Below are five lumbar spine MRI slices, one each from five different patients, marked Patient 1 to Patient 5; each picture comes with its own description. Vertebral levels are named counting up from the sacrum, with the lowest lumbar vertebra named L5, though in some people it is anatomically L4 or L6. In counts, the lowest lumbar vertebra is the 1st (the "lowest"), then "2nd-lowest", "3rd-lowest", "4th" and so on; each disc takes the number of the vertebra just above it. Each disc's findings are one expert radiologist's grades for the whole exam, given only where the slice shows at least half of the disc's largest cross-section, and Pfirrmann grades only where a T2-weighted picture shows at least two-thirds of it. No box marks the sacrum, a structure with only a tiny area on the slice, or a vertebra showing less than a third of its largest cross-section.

Patient 1 of 5:
Lumbar spine MR, T2 SPACE (3D), sagittal

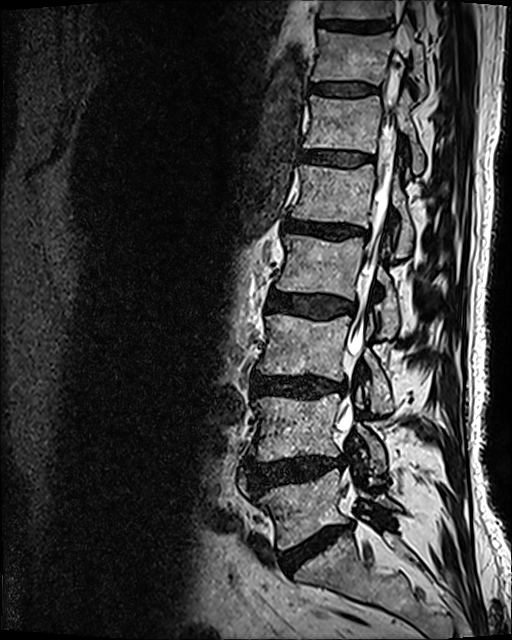

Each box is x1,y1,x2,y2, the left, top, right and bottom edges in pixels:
T12: 304,89,423,175.
T12/L1: 302,151,373,166.
IVD L5/S1: 280,523,351,572.
IVD L4/L5: 245,455,344,489.
L1 vertebra: 292,164,412,257.
T10/T11: 320,19,388,32.
L5 vertebra: 258,469,399,549.
T11: 312,17,426,99.
T10 vertebra: 319,0,424,29.
IVD L1/L2: 285,219,366,238.
Thecal sac / spinal canal: 339,116,393,430.
L2: 275,234,398,337.
L2/L3: 268,289,356,319.
IVD T11/T12: 312,84,375,96.
IVD L3/L4: 253,374,347,398.
L3 vertebra: 256,314,392,414.
L4: 250,394,385,472.

Radiological gradings:
- T12/L1: Pfirrmann grade 3
- L5/S1: Pfirrmann grade 5, disc narrowing, Modic type II, disc bulging, lower-endplate change
- L3/L4: Pfirrmann grade 4, disc bulging, Modic type II, disc narrowing, lower-endplate change
- L1/L2: Pfirrmann grade 4, upper-endplate change, disc bulging, disc narrowing, Modic type II, lower-endplate change
- L2/L3: Pfirrmann grade 3, disc bulging
- L4/L5: Pfirrmann grade 4, disc bulging, disc herniation
- T11/T12: Pfirrmann grade 3

Patient 2 of 5:
SIEMENS Avanto_fit (1.5T). Sagittal T2 SPACE (3D) lumbar spine MRI. Sex F.

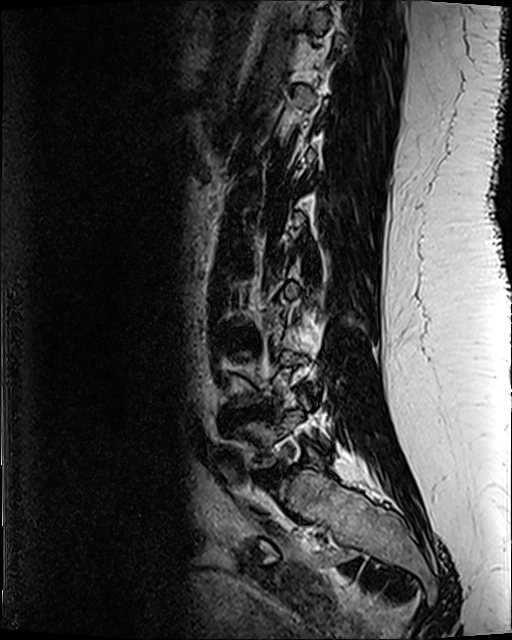
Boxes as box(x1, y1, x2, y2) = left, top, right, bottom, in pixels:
intervertebral disc L4/L5 = box(229, 410, 263, 419) | L5/S1 = box(258, 469, 278, 479)

Patient 3 of 5:
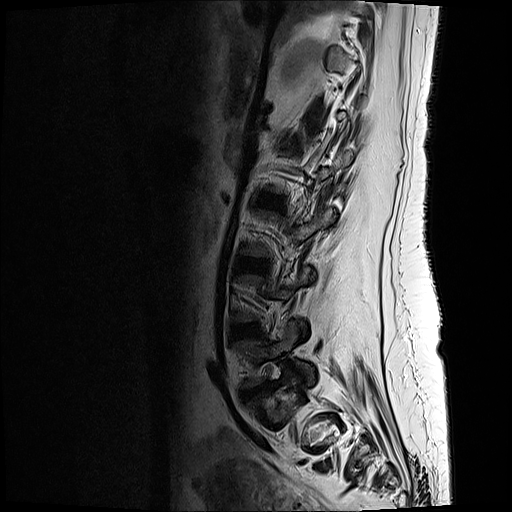 Slice 16/17, MRI lumbar spine (T2-weighted), sagittal plane, Image 512x512

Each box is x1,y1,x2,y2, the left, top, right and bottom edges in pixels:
{"4th disc": "252,193,284,206", "lowest disc": "245,386,268,396", "2nd-lowest disc": "231,324,258,337", "3rd-lowest disc": "235,258,269,272"}

Patient 4 of 5:
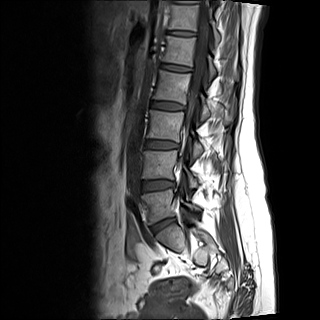
MRI lumbar spine (T1-weighted), sagittal plane | Sagittal slice index 4 | Patient sex: F
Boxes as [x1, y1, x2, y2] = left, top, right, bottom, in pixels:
Disc T12/L1 (6th disc) at [168, 31, 195, 35], L2/L3 (4th disc) at [151, 101, 185, 109], L4 (2nd-lowest vertebra) at [143, 150, 197, 187], T12 (6th vertebra) at [169, 4, 220, 45], L5 (lowest vertebra) at [142, 189, 200, 224], L3/L4 (3rd-lowest disc) at [145, 140, 178, 148], disc L5/S1 (lowest disc) at [151, 219, 174, 232], disc L4/L5 (2nd-lowest disc) at [141, 181, 173, 191], L3 (3rd-lowest vertebra) at [147, 110, 202, 157], disc L1/L2 (5th disc) at [160, 63, 189, 71], spinal canal at [185, 1, 209, 127], L1 (5th vertebra) at [161, 36, 215, 79], L2 (4th vertebra) at [153, 70, 233, 123].

Expert MSK radiologist gradings (per disc):
• L4/L5 (2nd-lowest disc): Modic type II, disc bulging
• L2/L3 (4th disc), T12/L1 (6th disc), L1/L2 (5th disc), L3/L4 (3rd-lowest disc): no Modic or endplate change, herniation, narrowing, bulging or spondylolisthesis recorded

Patient 5 of 5:
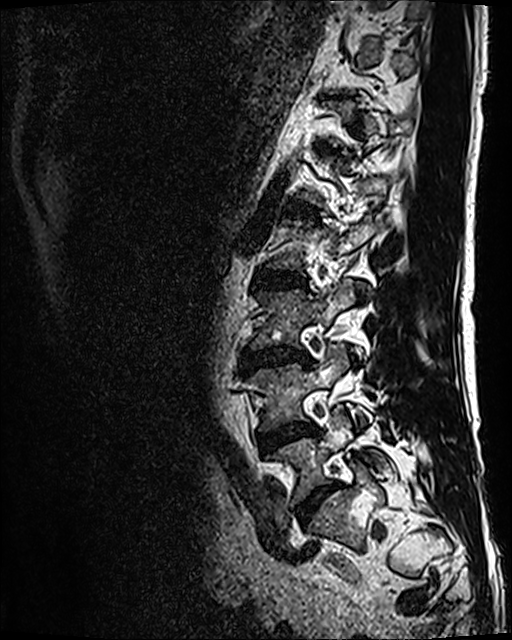
Patient sex: M. T2 SPACE (3D) sagittal MRI of the lumbar spine. 512x640 px. Slice 38/120.

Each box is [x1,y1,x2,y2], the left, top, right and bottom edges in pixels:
L3: [252,278,355,348].
Disc L1/L2: [286,202,318,216].
L4 vertebra: [250,344,364,430].
L5 vertebra: [267,409,384,506].
L4/L5: [259,421,317,452].
L2/L3: [254,270,305,289].
L3/L4: [241,346,309,368].
L5/S1: [296,486,335,523].

Per-level radiological findings:
• L3/L4: Pfirrmann grade 4, disc narrowing, Modic type II, disc bulging
• L4/L5: Pfirrmann grade 3, Modic type II, disc bulging
• L2/L3: Modic type II, disc bulging